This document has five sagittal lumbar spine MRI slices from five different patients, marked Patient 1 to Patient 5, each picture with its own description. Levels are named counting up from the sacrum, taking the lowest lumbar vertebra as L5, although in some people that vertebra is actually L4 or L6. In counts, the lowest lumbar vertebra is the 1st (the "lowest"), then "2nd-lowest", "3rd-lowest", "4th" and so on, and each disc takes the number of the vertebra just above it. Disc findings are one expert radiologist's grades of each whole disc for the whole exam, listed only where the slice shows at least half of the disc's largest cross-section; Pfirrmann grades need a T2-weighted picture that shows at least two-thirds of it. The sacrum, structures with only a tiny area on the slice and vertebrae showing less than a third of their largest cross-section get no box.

Patient 1 of 5:
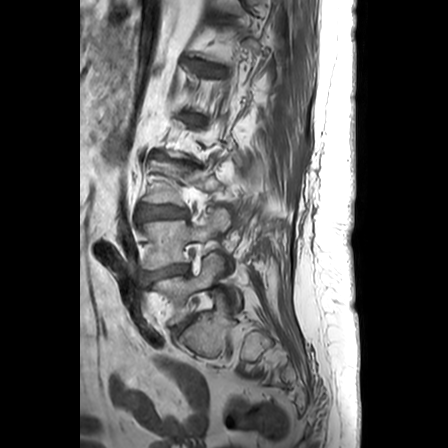

Sagittal T1-weighted lumbar spine MRI. Image 448x448. Slice 6 of 24.

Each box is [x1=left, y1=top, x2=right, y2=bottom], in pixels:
{"intervertebral disc T12/L1": "[x1=195, y1=62, x2=222, y2=75]", "intervertebral disc L2/L3": "[x1=151, y1=151, x2=200, y2=168]", "L5/S1": "[x1=175, y1=316, x2=195, y2=332]", "L4/L5": "[x1=146, y1=265, x2=188, y2=281]", "L5 vertebra": "[x1=152, y1=253, x2=241, y2=323]", "L4 vertebra": "[x1=141, y1=209, x2=230, y2=269]", "intervertebral disc L3/L4": "[x1=140, y1=206, x2=186, y2=218]"}

Per-level radiological findings:
• L2/L3: Modic type II, disc narrowing, spondylolisthesis, disc bulging
• T12/L1: disc narrowing
• L3/L4: disc bulging
• L4/L5: disc bulging, disc narrowing

Patient 2 of 5:
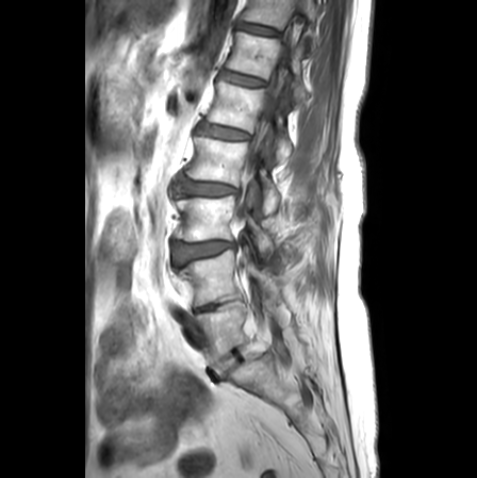

Sagittal slice index 15 | Field of view 280x281 mm, slice spacing 3.3 mm | Lumbar spine MR, T1-weighted, sagittal
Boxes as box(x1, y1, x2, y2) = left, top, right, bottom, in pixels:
5th vertebra at box(208, 82, 292, 163); 3rd-lowest disc at box(174, 241, 234, 263); 5th disc at box(200, 123, 249, 139); 7th disc at box(240, 22, 279, 35); 4th vertebra at box(187, 136, 280, 214); 7th vertebra at box(244, 0, 317, 56); 6th disc at box(221, 71, 265, 86); lowest disc at box(210, 350, 244, 380); 2nd-lowest disc at box(196, 303, 219, 311); 2nd-lowest vertebra at box(175, 241, 280, 306); lowest vertebra at box(193, 301, 267, 361); 6th vertebra at box(227, 32, 307, 106); 4th disc at box(178, 178, 238, 195); thecal sac / spinal canal at box(248, 58, 288, 171); 3rd-lowest vertebra at box(176, 185, 274, 258).

Degenerative findings by level:
- 4th disc: upper-endplate change, disc bulging, lower-endplate change
- 2nd-lowest disc: disc narrowing
- 5th disc: lower-endplate change, upper-endplate change
- 3rd-lowest disc: upper-endplate change, Modic type II, disc bulging, lower-endplate change
- 7th disc, 6th disc, lowest disc: no spondylolisthesis, narrowing, bulging, herniation, Modic or endplate change recorded

Patient 3 of 5:
Image 512x640; Lumbar spine MR, T2 SPACE (3D), sagittal
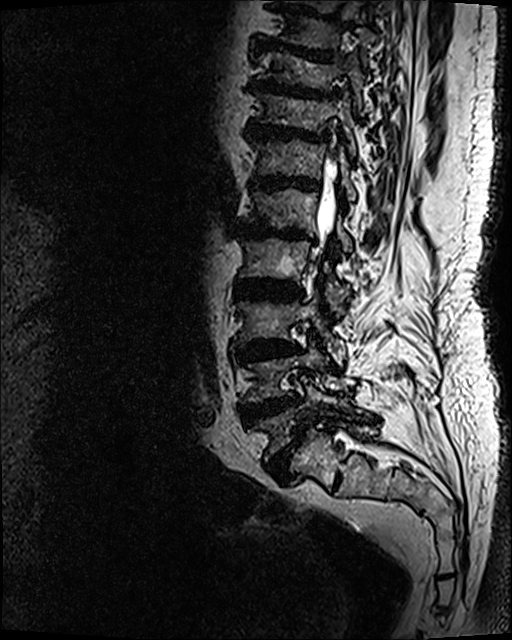
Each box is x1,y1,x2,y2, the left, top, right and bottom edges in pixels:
IVD T12/L1: 252,174,320,192
IVD L3/L4: 237,339,298,361
T10/T11: 249,77,338,100
IVD L5/S1: 265,425,304,480
T11: 254,90,356,158
IVD L4/L5: 242,394,301,429
IVD L1/L2: 241,223,317,244
IVD T9/T10: 253,45,332,62
T10 vertebra: 257,49,365,114
T12 vertebra: 254,139,357,200
T11/T12: 247,120,329,142
thecal sac / spinal canal: 316,152,339,266
L2: 238,234,351,316
L5: 249,374,361,461
L4 vertebra: 242,334,343,403
L1 vertebra: 247,186,354,252
L2/L3: 236,280,301,298
L3: 239,289,345,366

Per-level radiological findings:
- L2/L3: Pfirrmann grade 5, lower-endplate change, upper-endplate change, disc narrowing, Modic type II, disc bulging
- L3/L4: Pfirrmann grade 5, Modic type II, disc bulging, disc narrowing, upper-endplate change, lower-endplate change
- T12/L1: Pfirrmann grade 5, upper-endplate change, disc bulging, disc narrowing, lower-endplate change, Modic type II
- L4/L5: lower-endplate change, Modic type II, disc narrowing, upper-endplate change, disc bulging
- T11/T12: Pfirrmann grade 5, disc narrowing, Modic type II, lower-endplate change, disc bulging, upper-endplate change
- T10/T11: Pfirrmann grade 5, disc narrowing, upper-endplate change, disc bulging, Modic type II, lower-endplate change
- L1/L2: Pfirrmann grade 5, lower-endplate change, disc narrowing, Modic type II, upper-endplate change, disc bulging
- L5/S1: Pfirrmann grade 5, upper-endplate change, Modic type II, disc bulging, spondylolisthesis, lower-endplate change, disc narrowing
- T9/T10: Pfirrmann grade 5, disc bulging, disc narrowing, Modic type II, upper-endplate change, lower-endplate change

Patient 4 of 5:
Sex M | MRI lumbar spine (T2-weighted), sagittal plane | Field of view 300x303 mm, slice spacing 3.3 mm
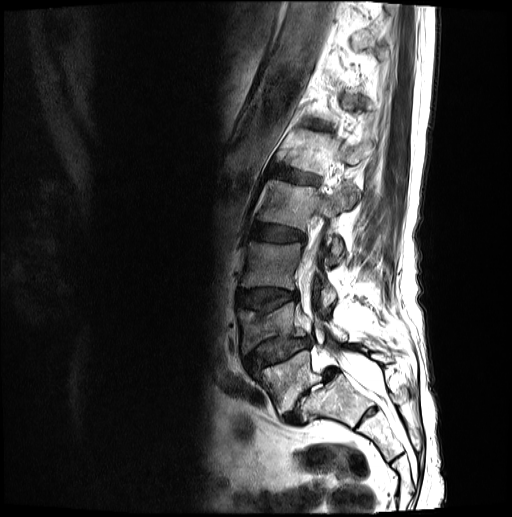

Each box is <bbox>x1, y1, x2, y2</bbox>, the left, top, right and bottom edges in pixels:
{"lowest vertebra": "<bbox>247, 348, 393, 414</bbox>", "4th vertebra": "<bbox>257, 181, 353, 265</bbox>", "5th vertebra": "<bbox>286, 130, 374, 175</bbox>", "4th disc": "<bbox>250, 225, 304, 242</bbox>", "spinal canal": "<bbox>298, 227, 380, 393</bbox>", "5th disc": "<bbox>276, 168, 318, 184</bbox>", "2nd-lowest vertebra": "<bbox>236, 303, 347, 353</bbox>", "3rd-lowest disc": "<bbox>236, 288, 297, 308</bbox>", "lowest disc": "<bbox>283, 369, 336, 424</bbox>", "6th disc": "<bbox>310, 123, 326, 129</bbox>", "3rd-lowest vertebra": "<bbox>240, 242, 336, 315</bbox>", "2nd-lowest disc": "<bbox>242, 337, 311, 368</bbox>"}

Degenerative findings by level:
  5th disc: Pfirrmann grade 3
  3rd-lowest disc: Pfirrmann grade 3, disc bulging, lower-endplate change, upper-endplate change
  lowest disc: Pfirrmann grade 5, disc narrowing, spondylolisthesis, Modic type II, disc herniation
  4th disc: Pfirrmann grade 3, disc bulging
  2nd-lowest disc: Pfirrmann grade 3, disc narrowing, upper-endplate change, disc herniation, spondylolisthesis, lower-endplate change

Patient 5 of 5:
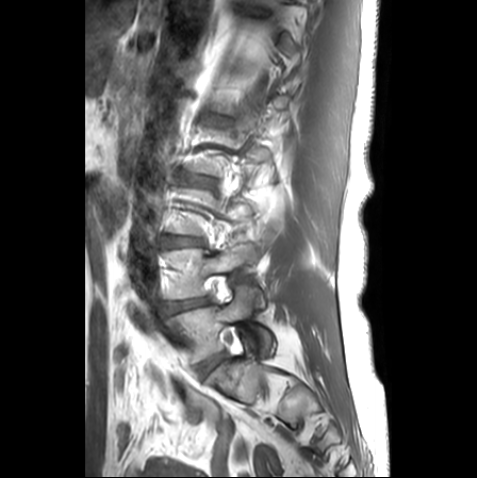 MRI lumbar spine (T1-weighted), sagittal plane, Slice 6 of 25
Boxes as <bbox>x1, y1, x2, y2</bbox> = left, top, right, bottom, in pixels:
Annotations:
* L4 at <bbox>164, 244, 258, 298</bbox>
* L1/L2 at <bbox>209, 116, 227, 125</bbox>
* intervertebral disc L3/L4 at <bbox>165, 237, 202, 246</bbox>
* L2/L3 at <bbox>183, 175, 215, 186</bbox>
* L5/S1 at <bbox>198, 353, 225, 374</bbox>
* L5 vertebra at <bbox>172, 289, 270, 361</bbox>
* intervertebral disc L4/L5 at <bbox>166, 298, 208, 312</bbox>

Degenerative findings by level:
- L4/L5: lower-endplate change, disc narrowing, upper-endplate change, disc bulging
- L3/L4: disc bulging, disc narrowing